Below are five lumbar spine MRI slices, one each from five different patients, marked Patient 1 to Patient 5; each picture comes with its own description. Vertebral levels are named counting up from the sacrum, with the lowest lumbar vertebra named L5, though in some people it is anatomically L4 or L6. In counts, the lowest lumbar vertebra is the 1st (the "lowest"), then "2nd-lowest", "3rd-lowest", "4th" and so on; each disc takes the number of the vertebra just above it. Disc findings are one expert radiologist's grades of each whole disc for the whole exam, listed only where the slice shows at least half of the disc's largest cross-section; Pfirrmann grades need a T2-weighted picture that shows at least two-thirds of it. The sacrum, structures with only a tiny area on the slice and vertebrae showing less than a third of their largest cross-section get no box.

Patient 1 of 5:
T2 SPACE (3D) sagittal MRI of the lumbar spine; Slice spacing 0.9 mm
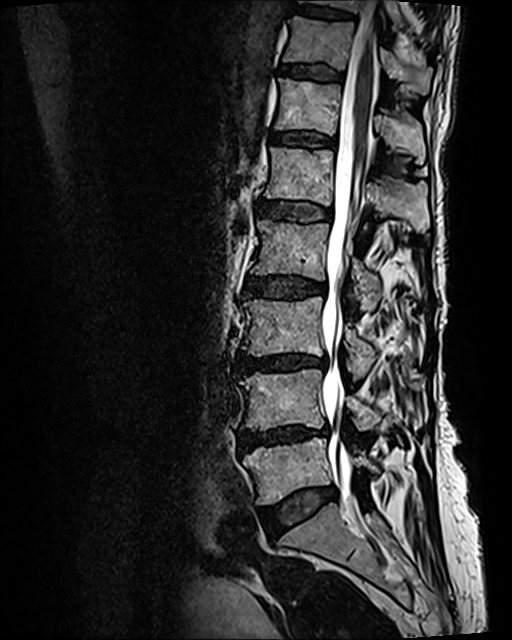 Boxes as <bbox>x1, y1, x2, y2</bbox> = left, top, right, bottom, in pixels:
intervertebral disc L5/S1: <bbox>261, 489, 335, 530</bbox>
L4: <bbox>240, 369, 381, 430</bbox>
intervertebral disc L4/L5: <bbox>239, 424, 328, 449</bbox>
intervertebral disc T12/L1: <bbox>271, 131, 334, 147</bbox>
L1/L2: <bbox>259, 200, 331, 221</bbox>
T12 vertebra: <bbox>274, 78, 425, 163</bbox>
T10 vertebra: <bbox>303, 0, 404, 26</bbox>
L2: <bbox>252, 220, 381, 308</bbox>
L2/L3: <bbox>246, 273, 325, 297</bbox>
spinal canal: <bbox>322, 8, 378, 522</bbox>
L3/L4: <bbox>238, 354, 327, 372</bbox>
T11 vertebra: <bbox>284, 16, 431, 93</bbox>
L3: <bbox>243, 296, 376, 380</bbox>
L5 vertebra: <bbox>243, 438, 378, 505</bbox>
T11/T12: <bbox>281, 64, 343, 79</bbox>
L1 vertebra: <bbox>265, 147, 428, 232</bbox>
T10/T11: <bbox>295, 6, 353, 18</bbox>

Expert MSK radiologist gradings (per disc):
  T10/T11: Pfirrmann grade 2, upper-endplate change, lower-endplate change
  T11/T12: Pfirrmann grade 2, upper-endplate change, lower-endplate change, Modic type II
  L2/L3: Pfirrmann grade 3, Modic type II, disc bulging, upper-endplate change, lower-endplate change
  L3/L4: Pfirrmann grade 4, disc narrowing, lower-endplate change, upper-endplate change, Modic type II, disc bulging
  L1/L2: Pfirrmann grade 3, upper-endplate change, lower-endplate change, Modic type II
  L4/L5: Pfirrmann grade 4, Modic type II, lower-endplate change, disc narrowing, upper-endplate change, disc bulging
  T12/L1: Pfirrmann grade 2, upper-endplate change, lower-endplate change, Modic type II
  L5/S1: Pfirrmann grade 2, disc bulging

Patient 2 of 5:
Sagittal T2 SPACE (3D) lumbar spine MRI. Slice 74/120. Scanner: SIEMENS Avanto_fit (1.5T). Image 512x640. 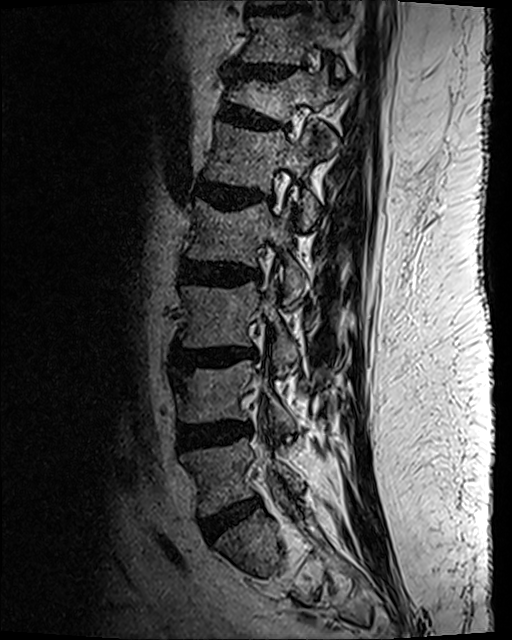 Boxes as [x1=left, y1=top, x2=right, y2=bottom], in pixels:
6th vertebra at [x1=227, y1=68, x2=350, y2=122].
Lowest vertebra at [x1=183, y1=438, x2=303, y2=515].
2nd-lowest disc at [x1=178, y1=424, x2=250, y2=450].
2nd-lowest vertebra at [x1=180, y1=362, x2=297, y2=430].
3rd-lowest vertebra at [x1=181, y1=282, x2=298, y2=375].
8th disc at [x1=250, y1=8, x2=294, y2=15].
4th vertebra at [x1=188, y1=200, x2=306, y2=309].
Lowest disc at [x1=200, y1=498, x2=260, y2=541].
5th vertebra at [x1=206, y1=124, x2=317, y2=230].
7th disc at [x1=233, y1=65, x2=293, y2=79].
3rd-lowest disc at [x1=178, y1=350, x2=256, y2=368].
6th disc at [x1=220, y1=105, x2=282, y2=129].
7th vertebra at [x1=242, y1=16, x2=349, y2=77].
4th disc at [x1=180, y1=261, x2=260, y2=287].
5th disc at [x1=196, y1=180, x2=259, y2=210].

Degenerative findings by level:
• lowest disc: disc bulging
• 7th disc: upper-endplate change, disc narrowing, disc bulging, lower-endplate change
• 2nd-lowest disc: Pfirrmann grade 3, disc bulging, disc narrowing
• 4th disc: Pfirrmann grade 3, disc bulging, lower-endplate change
• 6th disc: Pfirrmann grade 2, lower-endplate change, disc bulging, upper-endplate change, spondylolisthesis
• 5th disc: Pfirrmann grade 3, upper-endplate change, Modic type II, lower-endplate change, disc narrowing, disc bulging
• 3rd-lowest disc: Modic type II, lower-endplate change, upper-endplate change, disc bulging

Patient 3 of 5:
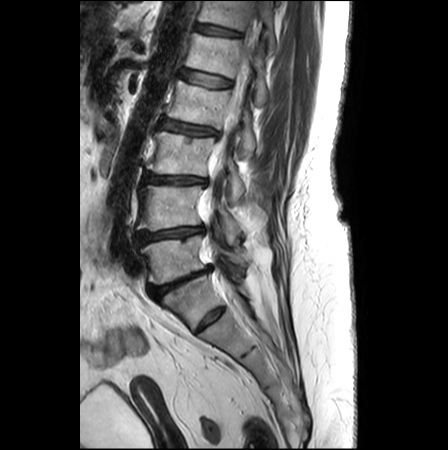 448x450 px; Sagittal T2-weighted lumbar spine MRI; Patient sex: F

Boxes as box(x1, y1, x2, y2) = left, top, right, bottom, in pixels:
3rd-lowest disc: box(144, 173, 206, 183)
lowest disc: box(149, 265, 211, 299)
6th disc: box(195, 24, 241, 36)
4th disc: box(159, 119, 218, 135)
5th vertebra: box(185, 33, 268, 104)
2nd-lowest disc: box(136, 226, 203, 244)
2nd-lowest vertebra: box(137, 186, 242, 246)
4th vertebra: box(167, 81, 255, 157)
5th disc: box(181, 69, 231, 87)
3rd-lowest vertebra: box(146, 131, 244, 202)
lowest vertebra: box(140, 235, 245, 284)
6th vertebra: box(198, 1, 274, 50)
spinal canal: box(203, 58, 249, 295)

Per-level radiological findings:
- 4th disc: Pfirrmann grade 2, lower-endplate change, disc bulging, upper-endplate change, disc narrowing, Modic type II
- lowest disc: Pfirrmann grade 5, disc bulging, upper-endplate change, lower-endplate change, disc narrowing, Modic type II
- 2nd-lowest disc: Pfirrmann grade 3, upper-endplate change, disc bulging, lower-endplate change, disc narrowing, Modic type II
- 3rd-lowest disc: Pfirrmann grade 3, lower-endplate change, upper-endplate change, disc narrowing, disc bulging, Modic type II
- 5th disc: Pfirrmann grade 1
- 6th disc: Pfirrmann grade 2, lower-endplate change

Patient 4 of 5:
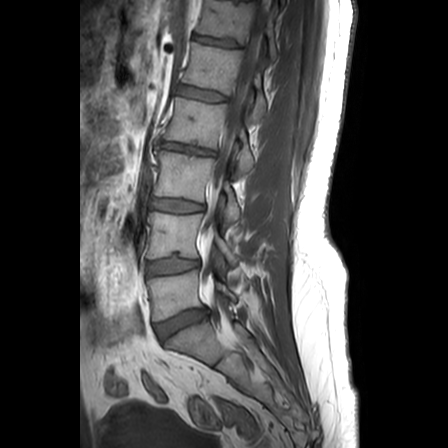 Sagittal T1-weighted lumbar spine MRI | Image 448x448 | Slice spacing 3.3 mm

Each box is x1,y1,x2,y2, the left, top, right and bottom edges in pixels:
L3 (3rd-lowest vertebra) at 154,151,240,225; intervertebral disc L1/L2 (5th disc) at 178,85,225,101; intervertebral disc L4/L5 (2nd-lowest disc) at 147,258,198,274; T12/L1 (6th disc) at 194,34,238,47; spinal canal at 201,0,271,320; L5/S1 (lowest disc) at 155,310,206,339; L5 (lowest vertebra) at 148,270,236,321; L1 (5th vertebra) at 182,43,266,120; intervertebral disc L3/L4 (3rd-lowest disc) at 152,198,202,212; T12 (6th vertebra) at 197,0,278,61; L2/L3 (4th disc) at 159,142,213,155; L2 (4th vertebra) at 163,97,254,176; L4 (2nd-lowest vertebra) at 147,212,236,265.

Degenerative findings by level:
- L3/L4 (3rd-lowest disc): upper-endplate change
- L4/L5 (2nd-lowest disc): lower-endplate change
- T12/L1 (6th disc): upper-endplate change, lower-endplate change
- L5/S1 (lowest disc): disc herniation
- L2/L3 (4th disc): disc narrowing, lower-endplate change, disc bulging, upper-endplate change
- L1/L2 (5th disc): no spondylolisthesis, narrowing, bulging, herniation, Modic or endplate change recorded

Patient 5 of 5:
Patient sex: M, MRI lumbar spine (T2-weighted), sagittal plane 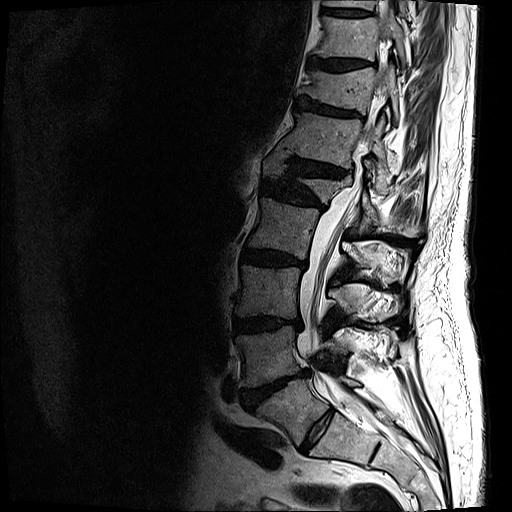
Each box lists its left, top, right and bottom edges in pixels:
• L2 vertebra at left=247, top=197, right=384, bottom=267
• L3 vertebra at left=234, top=264, right=363, bottom=319
• T10/T11 at left=308, top=56, right=370, bottom=70
• intervertebral disc L1/L2 at left=261, top=180, right=325, bottom=209
• T12/L1 at left=277, top=147, right=346, bottom=177
• thecal sac / spinal canal at left=296, top=85, right=383, bottom=424
• L4 vertebra at left=236, top=325, right=347, bottom=387
• T9 at left=324, top=0, right=407, bottom=15
• L5 at left=257, top=376, right=360, bottom=445
• T11 vertebra at left=297, top=65, right=398, bottom=121
• intervertebral disc L3/L4 at left=234, top=316, right=302, bottom=333
• T11/T12 at left=295, top=97, right=361, bottom=117
• L4/L5 at left=241, top=369, right=310, bottom=410
• T12 vertebra at left=280, top=111, right=392, bottom=193
• T10 at left=314, top=11, right=405, bottom=67
• L1 vertebra at left=263, top=152, right=418, bottom=236
• intervertebral disc L5/S1 at left=300, top=409, right=334, bottom=452
• intervertebral disc L2/L3 at left=240, top=248, right=306, bottom=268
• T9/T10 at left=323, top=8, right=369, bottom=16

Per-level radiological findings:
- T9/T10: Pfirrmann grade 3, lower-endplate change
- T12/L1: Pfirrmann grade 4, disc bulging, lower-endplate change, upper-endplate change, disc narrowing
- L2/L3: Pfirrmann grade 4, disc bulging, lower-endplate change, disc narrowing, Modic type II, upper-endplate change
- L4/L5: Pfirrmann grade 5, disc bulging, Modic type II, disc herniation, lower-endplate change, disc narrowing, upper-endplate change
- L3/L4: Pfirrmann grade 4, lower-endplate change, disc bulging, upper-endplate change, disc narrowing
- L1/L2: Pfirrmann grade 4, disc narrowing, disc bulging, upper-endplate change, lower-endplate change
- L5/S1: Pfirrmann grade 2
- T10/T11: Pfirrmann grade 4, disc bulging, upper-endplate change, lower-endplate change
- T11/T12: Pfirrmann grade 4, upper-endplate change, disc bulging, lower-endplate change, disc narrowing